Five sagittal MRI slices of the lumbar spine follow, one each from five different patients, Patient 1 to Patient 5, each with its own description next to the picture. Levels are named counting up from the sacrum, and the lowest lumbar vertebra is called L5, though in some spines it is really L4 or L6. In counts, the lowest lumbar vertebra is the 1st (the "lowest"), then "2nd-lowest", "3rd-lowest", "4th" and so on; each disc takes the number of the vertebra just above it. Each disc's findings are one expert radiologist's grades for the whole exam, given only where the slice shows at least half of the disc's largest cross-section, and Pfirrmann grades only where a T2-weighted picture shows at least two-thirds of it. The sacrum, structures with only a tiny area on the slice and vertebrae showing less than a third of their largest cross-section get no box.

Patient 1 of 5:
Lumbar spine MR, T2 SPACE (3D), sagittal; Sagittal slice index 49
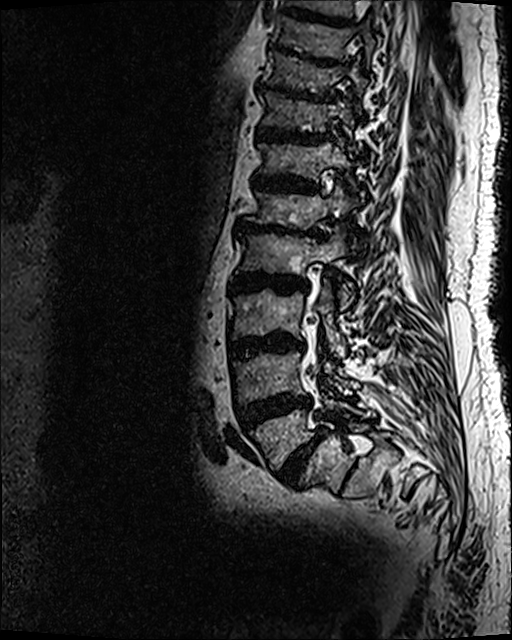 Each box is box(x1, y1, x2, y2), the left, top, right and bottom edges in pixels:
- T12: box(255, 135, 363, 195)
- L3: box(232, 279, 346, 358)
- intervertebral disc L2/L3: box(230, 271, 309, 294)
- L1/L2: box(236, 218, 326, 240)
- intervertebral disc T9/T10: box(273, 46, 342, 67)
- T11/T12: box(255, 127, 330, 144)
- L4: box(230, 330, 360, 403)
- L2: box(238, 223, 355, 309)
- T11: box(259, 91, 353, 134)
- intervertebral disc T10/T11: box(256, 83, 332, 102)
- T12/L1: box(252, 174, 319, 194)
- intervertebral disc L3/L4: box(229, 332, 303, 359)
- L4/L5: box(234, 394, 313, 429)
- L1 vertebra: box(244, 179, 361, 229)
- L5 vertebra: box(245, 392, 375, 470)
- T10 vertebra: box(262, 50, 367, 113)
- intervertebral disc L5/S1: box(277, 428, 326, 486)

Per-level radiological findings:
  T9/T10: disc bulging, Modic type II, disc narrowing, upper-endplate change, lower-endplate change
  T12/L1: Pfirrmann grade 5, Modic type II, upper-endplate change, lower-endplate change, disc bulging, disc narrowing
  L3/L4: Pfirrmann grade 5, disc narrowing, disc bulging, Modic type II, lower-endplate change, upper-endplate change
  L5/S1: Pfirrmann grade 5, lower-endplate change, spondylolisthesis, disc narrowing, disc bulging, upper-endplate change, Modic type II
  L2/L3: Pfirrmann grade 5, disc bulging, upper-endplate change, Modic type II, lower-endplate change, disc narrowing
  T11/T12: Pfirrmann grade 5, lower-endplate change, disc narrowing, disc bulging, upper-endplate change, Modic type II
  L1/L2: Pfirrmann grade 5, lower-endplate change, disc bulging, Modic type II, upper-endplate change, disc narrowing
  L4/L5: Pfirrmann grade 5, lower-endplate change, Modic type II, upper-endplate change, disc narrowing, disc bulging

Patient 2 of 5:
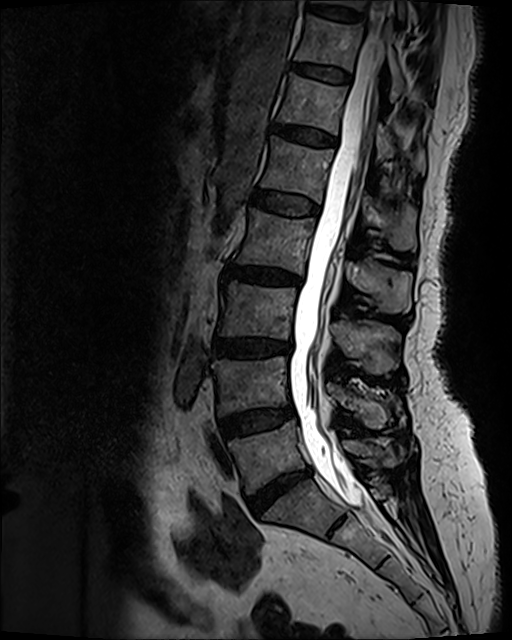

MRI lumbar spine (T2 SPACE (3D)), sagittal plane; Slice spacing 0.9 mm; Sex F
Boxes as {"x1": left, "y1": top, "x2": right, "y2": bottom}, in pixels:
Disc L4/L5 at {"x1": 220, "y1": 406, "x2": 293, "y2": 436}, L2 vertebra at {"x1": 234, "y1": 208, "x2": 411, "y2": 312}, L3/L4 at {"x1": 212, "y1": 339, "x2": 290, "y2": 355}, L5/S1 at {"x1": 248, "y1": 470, "x2": 309, "y2": 515}, spinal canal at {"x1": 289, "y1": 16, "x2": 384, "y2": 507}, L3 vertebra at {"x1": 218, "y1": 281, "x2": 398, "y2": 375}, disc T12/L1 at {"x1": 272, "y1": 124, "x2": 336, "y2": 146}, L1 vertebra at {"x1": 260, "y1": 136, "x2": 415, "y2": 250}, T11/T12 at {"x1": 293, "y1": 64, "x2": 351, "y2": 81}, T10/T11 at {"x1": 308, "y1": 4, "x2": 361, "y2": 20}, T12 at {"x1": 277, "y1": 73, "x2": 425, "y2": 173}, L5 at {"x1": 228, "y1": 421, "x2": 399, "y2": 494}, T11 at {"x1": 295, "y1": 16, "x2": 403, "y2": 100}, L4 vertebra at {"x1": 212, "y1": 356, "x2": 388, "y2": 427}, disc L1/L2 at {"x1": 251, "y1": 191, "x2": 318, "y2": 215}, L2/L3 at {"x1": 225, "y1": 263, "x2": 299, "y2": 283}.

Radiological gradings:
- L4/L5: Pfirrmann grade 3, disc bulging
- L1/L2: Pfirrmann grade 2
- L2/L3: Pfirrmann grade 4, disc bulging, Modic type II, upper-endplate change, disc narrowing, lower-endplate change
- L5/S1: Pfirrmann grade 4, disc bulging, disc narrowing
- T12/L1: Pfirrmann grade 3, disc bulging
- L3/L4: Pfirrmann grade 4, lower-endplate change, disc narrowing, upper-endplate change, disc bulging, Modic type II
- T11/T12: Pfirrmann grade 2
- T10/T11: no Modic or endplate change, herniation, narrowing, bulging or spondylolisthesis recorded

Patient 3 of 5:
T2-weighted sagittal MRI of the lumbar spine
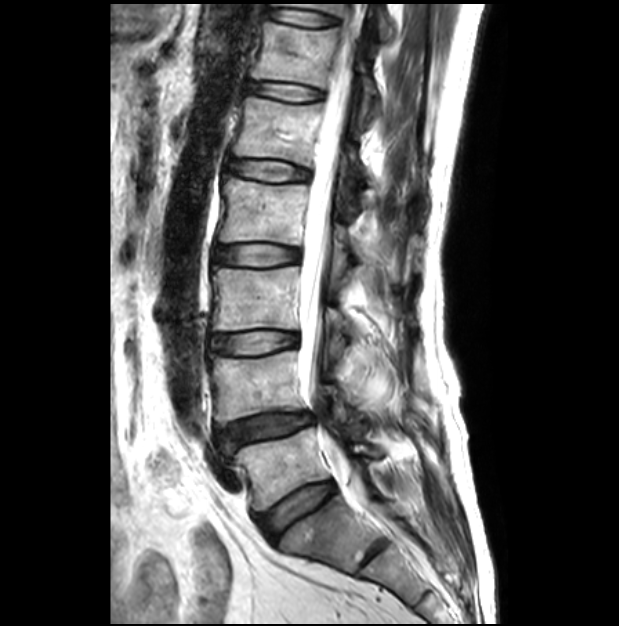

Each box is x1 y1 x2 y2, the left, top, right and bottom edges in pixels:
{"5th disc": "225 159 308 181", "2nd-lowest vertebra": "210 351 354 426", "3rd-lowest disc": "207 331 296 359", "7th disc": "268 10 337 25", "4th vertebra": "218 178 408 277", "lowest disc": "258 481 335 538", "6th disc": "246 82 321 101", "3rd-lowest vertebra": "213 267 353 357", "7th vertebra": "273 2 391 39", "2nd-lowest disc": "218 412 312 449", "5th vertebra": "232 97 365 190", "spinal canal": "298 29 357 485", "6th vertebra": "250 21 382 134", "lowest vertebra": "233 428 379 510", "4th disc": "213 245 299 266"}

Degenerative findings by level:
• lowest disc: Pfirrmann grade 2
• 6th disc: Pfirrmann grade 1
• 4th disc: Pfirrmann grade 1
• 7th disc: Pfirrmann grade 1
• 2nd-lowest disc: Pfirrmann grade 3, disc bulging, lower-endplate change, upper-endplate change, spondylolisthesis, disc narrowing
• 3rd-lowest disc: Pfirrmann grade 1
• 5th disc: no herniation, bulging, narrowing, spondylolisthesis, endplate or Modic change recorded

Patient 4 of 5:
MRI lumbar spine (T1-weighted), sagittal plane; Field of view 280x280 mm; Scanner: SIEMENS Aera (1.5T); Image 320x320

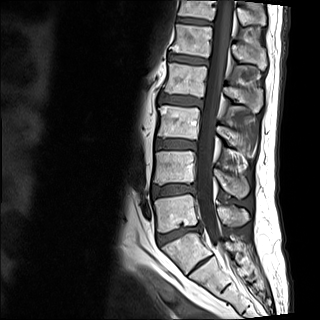
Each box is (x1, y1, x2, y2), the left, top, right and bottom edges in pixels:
Segmented structures:
- intervertebral disc L4/L5: (151, 184, 195, 197)
- L1 vertebra: (171, 24, 266, 69)
- T12: (178, 0, 265, 25)
- intervertebral disc L2/L3: (159, 94, 203, 107)
- L2 vertebra: (163, 63, 263, 112)
- L5/S1: (156, 225, 202, 245)
- L1/L2: (168, 54, 209, 65)
- spinal canal: (197, 0, 233, 245)
- L3: (158, 105, 242, 148)
- intervertebral disc L3/L4: (155, 140, 196, 150)
- intervertebral disc T12/L1: (177, 17, 212, 24)
- L4: (153, 151, 248, 196)
- L5 vertebra: (153, 194, 248, 232)

Degenerative findings by level:
- L1/L2: upper-endplate change, Modic type II, lower-endplate change
- L5/S1: disc narrowing, disc herniation, upper-endplate change, Modic type II, lower-endplate change
- L4/L5: disc bulging, upper-endplate change, lower-endplate change
- L2/L3: Modic type II, disc bulging, lower-endplate change, upper-endplate change
- T12/L1, L3/L4: no herniation, bulging, narrowing, spondylolisthesis, endplate or Modic change recorded

Patient 5 of 5:
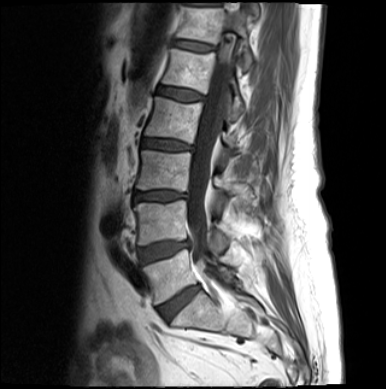 Image 386x389. Slice 10/18. Lumbar spine MR, T1-weighted, sagittal.

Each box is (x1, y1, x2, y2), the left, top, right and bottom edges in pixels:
Structures:
- 6th disc: (174, 41, 212, 51)
- 2nd-lowest disc: (139, 239, 191, 263)
- lowest vertebra: (143, 243, 251, 304)
- 5th vertebra: (163, 49, 244, 118)
- 6th vertebra: (177, 7, 252, 69)
- 4th vertebra: (145, 97, 246, 153)
- 3rd-lowest vertebra: (136, 150, 246, 195)
- 3rd-lowest disc: (134, 191, 188, 200)
- 4th disc: (142, 139, 194, 150)
- thecal sac / spinal canal: (188, 34, 233, 272)
- lowest disc: (159, 286, 199, 320)
- 2nd-lowest vertebra: (134, 200, 230, 248)
- 5th disc: (158, 86, 204, 101)

Radiological gradings:
- 5th disc: disc bulging
- 3rd-lowest disc: disc bulging, disc narrowing
- lowest disc: disc bulging
- 2nd-lowest disc: disc bulging
- 4th disc: disc bulging
- 6th disc: no Modic or endplate change, herniation, narrowing, bulging or spondylolisthesis recorded